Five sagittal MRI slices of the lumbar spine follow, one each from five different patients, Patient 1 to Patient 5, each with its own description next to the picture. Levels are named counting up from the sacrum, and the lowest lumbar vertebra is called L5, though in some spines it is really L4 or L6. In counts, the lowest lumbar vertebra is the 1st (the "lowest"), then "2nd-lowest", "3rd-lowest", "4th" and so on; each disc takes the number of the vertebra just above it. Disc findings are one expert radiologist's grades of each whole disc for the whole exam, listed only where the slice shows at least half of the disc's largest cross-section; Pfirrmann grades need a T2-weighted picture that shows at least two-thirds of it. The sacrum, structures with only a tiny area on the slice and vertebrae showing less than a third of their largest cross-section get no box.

Patient 1 of 5:
Image 512x640, MRI lumbar spine (T2 SPACE (3D)), sagittal plane, Field of view 240x300 mm
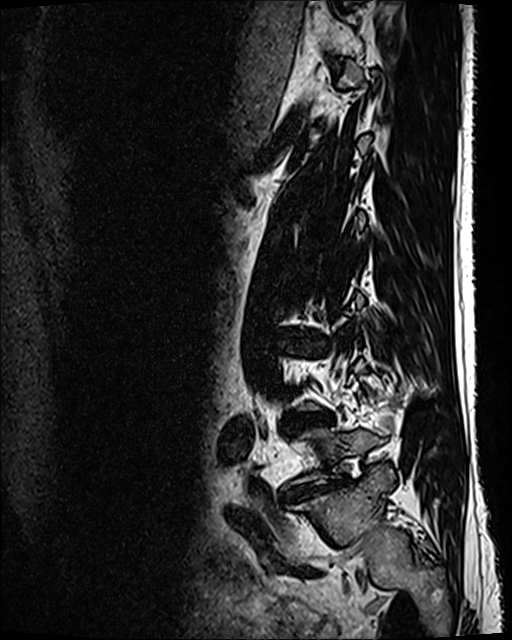

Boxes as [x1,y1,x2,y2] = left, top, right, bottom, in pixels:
L5/S1: [288,480,344,497].
Intervertebral disc L4/L5: [302,415,328,425].

Patient 2 of 5:
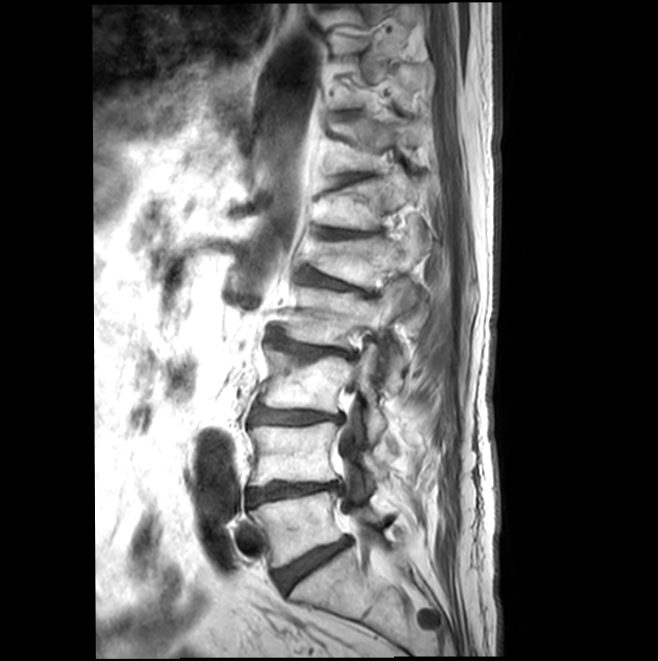
Slice spacing 4.4 mm. Lumbar spine MR, T1-weighted, sagittal.
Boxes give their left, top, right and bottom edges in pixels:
T11 vertebra: left=333, top=116, right=431, bottom=173
L5: left=250, top=491, right=382, bottom=567
L3 vertebra: left=261, top=344, right=386, bottom=438
T11/T12: left=338, top=175, right=364, bottom=183
L4/L5: left=247, top=482, right=340, bottom=506
L1 vertebra: left=315, top=185, right=432, bottom=317
IVD L3/L4: left=251, top=407, right=341, bottom=424
L4: left=249, top=422, right=387, bottom=485
L2: left=283, top=282, right=408, bottom=387
IVD L2/L3: left=269, top=334, right=354, bottom=359
IVD T10/T11: left=341, top=111, right=356, bottom=118
T12: left=325, top=168, right=416, bottom=229
T12/L1: left=321, top=229, right=367, bottom=238
spinal canal: left=339, top=425, right=365, bottom=523
IVD L5/S1: left=274, top=538, right=349, bottom=591
IVD L1/L2: left=303, top=273, right=376, bottom=295

Per-level radiological findings:
• L2/L3: Modic type II, disc narrowing, disc bulging, upper-endplate change
• L3/L4: lower-endplate change, Modic type II, disc narrowing, disc bulging, upper-endplate change
• L5/S1: Modic type II, disc bulging, disc narrowing
• L4/L5: lower-endplate change, disc bulging, upper-endplate change, Modic type II, disc narrowing

Patient 3 of 5:
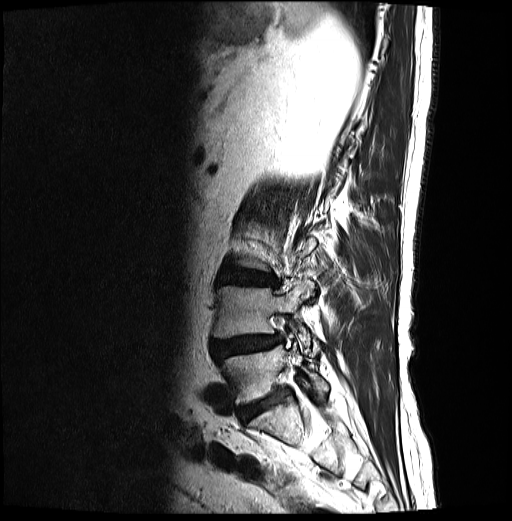
Patient sex: M. 512x521 px. Sagittal slice index 22. MRI lumbar spine (T2-weighted), sagittal plane.
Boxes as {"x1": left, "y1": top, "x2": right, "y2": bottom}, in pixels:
- intervertebral disc L4/L5: {"x1": 213, "y1": 335, "x2": 282, "y2": 358}
- L5: {"x1": 222, "y1": 344, "x2": 328, "y2": 404}
- intervertebral disc L5/S1: {"x1": 239, "y1": 390, "x2": 288, "y2": 421}
- L4: {"x1": 213, "y1": 280, "x2": 318, "y2": 355}
- L3/L4: {"x1": 219, "y1": 268, "x2": 277, "y2": 286}

Per-level radiological findings:
  L3/L4: Pfirrmann grade 4, lower-endplate change, upper-endplate change, disc bulging
  L4/L5: Pfirrmann grade 4, upper-endplate change, Modic type II, lower-endplate change, disc narrowing, spondylolisthesis, disc herniation, disc bulging
  L5/S1: no herniation, bulging, narrowing, spondylolisthesis, endplate or Modic change recorded

Patient 4 of 5:
Sagittal T1-weighted lumbar spine MRI. 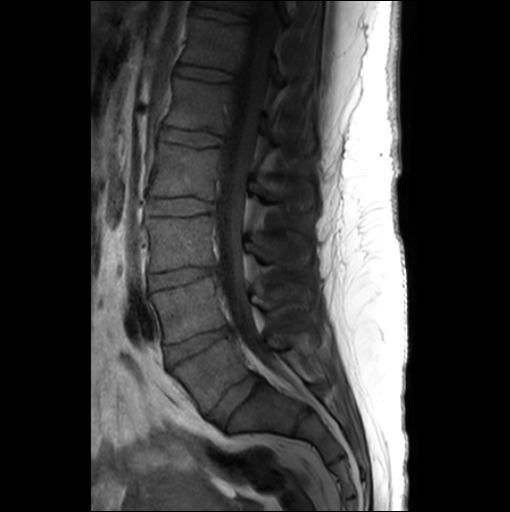
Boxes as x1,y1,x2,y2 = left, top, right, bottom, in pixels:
L4: 149,277,313,343 | thecal sac / spinal canal: 216,0,283,372 | L2 vertebra: 150,144,314,208 | L3/L4: 148,267,215,291 | disc L2/L3: 147,198,213,215 | T11/T12: 192,4,246,21 | T11: 198,0,287,25 | disc L5/S1: 208,375,263,425 | disc T12/L1: 175,64,231,81 | L5: 173,320,319,413 | L4/L5: 166,326,231,365 | disc L1/L2: 160,128,222,146 | L1 vertebra: 165,77,313,154 | L3 vertebra: 146,216,308,271 | T12: 182,17,282,88

Degenerative findings by level:
• L5/S1: disc bulging
• L3/L4: disc bulging, disc narrowing
• L4/L5: disc bulging, disc narrowing
• L2/L3, L1/L2, T12/L1, T11/T12: no Modic or endplate change, herniation, narrowing, bulging or spondylolisthesis recorded

Patient 5 of 5:
MRI lumbar spine (T1-weighted), sagittal plane, Slice 20 of 27

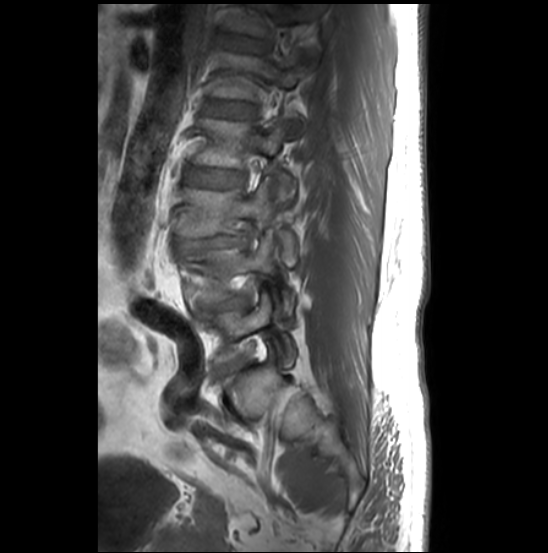

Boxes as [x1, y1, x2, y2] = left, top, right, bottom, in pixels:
L5: [200, 292, 295, 363]
L3: [173, 178, 298, 266]
intervertebral disc L2/L3: [185, 168, 243, 187]
L4: [177, 236, 294, 318]
intervertebral disc L1/L2: [203, 101, 251, 118]
intervertebral disc L3/L4: [175, 234, 249, 250]
L1: [208, 52, 306, 138]
intervertebral disc L5/S1: [218, 364, 238, 376]
T12: [224, 3, 315, 61]
T12/L1: [217, 34, 267, 51]
intervertebral disc L4/L5: [202, 295, 245, 312]
L2: [193, 119, 294, 206]

Expert MSK radiologist gradings (per disc):
• L3/L4: Modic type II, disc herniation, lower-endplate change, upper-endplate change, spondylolisthesis, disc narrowing
• T12/L1, L2/L3, L1/L2: no Modic or endplate change, herniation, narrowing, bulging or spondylolisthesis recorded